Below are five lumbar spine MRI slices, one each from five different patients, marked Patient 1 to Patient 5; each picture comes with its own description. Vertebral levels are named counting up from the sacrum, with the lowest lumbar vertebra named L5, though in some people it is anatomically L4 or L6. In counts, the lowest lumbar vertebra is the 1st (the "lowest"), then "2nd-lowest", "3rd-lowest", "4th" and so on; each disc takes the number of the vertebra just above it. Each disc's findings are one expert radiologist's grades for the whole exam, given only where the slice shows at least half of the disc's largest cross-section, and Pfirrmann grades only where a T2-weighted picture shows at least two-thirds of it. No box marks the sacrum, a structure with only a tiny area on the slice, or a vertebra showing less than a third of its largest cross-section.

Patient 1 of 5:
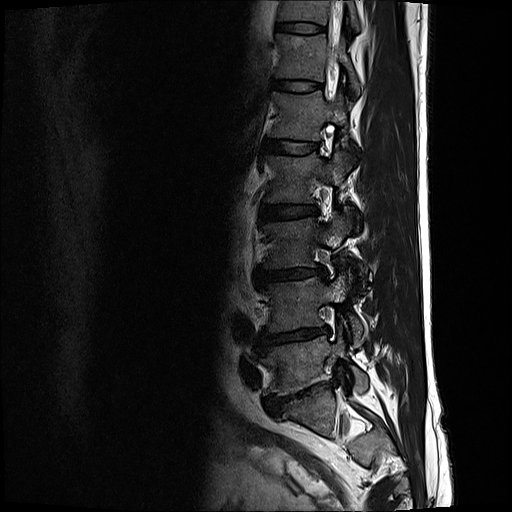 Slice 4 of 17; Field of view 300x300 mm; T2-weighted sagittal MRI of the lumbar spine; Patient sex: M; Image 512x512

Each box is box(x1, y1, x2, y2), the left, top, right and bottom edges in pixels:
Structures:
- L1 vertebra: box(271, 90, 346, 140)
- L4: box(260, 275, 364, 347)
- L3: box(266, 216, 349, 267)
- T11 vertebra: box(276, 0, 361, 32)
- disc T12/L1: box(272, 79, 321, 91)
- L5/S1: box(266, 383, 322, 414)
- disc L3/L4: box(258, 267, 326, 280)
- disc L4/L5: box(261, 326, 328, 346)
- L5: box(262, 334, 368, 395)
- T12 vertebra: box(275, 33, 360, 92)
- spinal canal: box(337, 1, 343, 12)
- L1/L2: box(266, 139, 318, 154)
- disc L2/L3: box(260, 204, 316, 221)
- L2 vertebra: box(264, 144, 349, 203)
- disc T11/T12: box(274, 21, 325, 33)

Degenerative findings by level:
  T12/L1: Pfirrmann grade 2
  L1/L2: Pfirrmann grade 2
  L3/L4: Pfirrmann grade 3, disc narrowing, disc bulging
  L4/L5: Pfirrmann grade 5, Modic type II, disc bulging, lower-endplate change, disc narrowing
  L2/L3: Pfirrmann grade 2
  T11/T12: Pfirrmann grade 2

Patient 2 of 5:
Lumbar spine MR, T2-weighted, sagittal, Patient sex: F, Scanner: SIEMENS Avanto_fit (1.5T), Sagittal slice index 6, Image 384x387

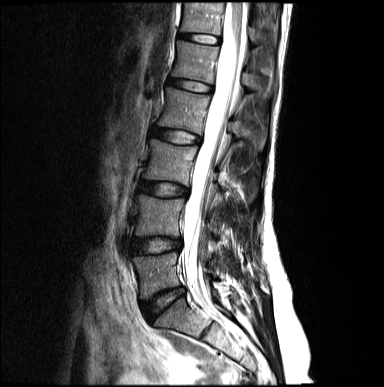
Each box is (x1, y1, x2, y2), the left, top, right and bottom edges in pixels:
Intervertebral disc L2/L3 at (152, 127, 200, 144), T12 vertebra at (180, 2, 259, 44), L3 at (142, 139, 221, 205), L4/L5 at (133, 238, 180, 253), L5 vertebra at (133, 252, 224, 298), T12/L1 at (178, 34, 218, 44), L5/S1 at (142, 288, 184, 320), L3/L4 at (139, 181, 188, 197), L1/L2 at (168, 78, 211, 92), L2 vertebra at (158, 87, 266, 148), L1 vertebra at (172, 41, 271, 97), L4 at (136, 195, 215, 248), thecal sac / spinal canal at (183, 1, 247, 291).

Per-level radiological findings:
- L1/L2: Pfirrmann grade 2
- T12/L1: Pfirrmann grade 2
- L5/S1: Pfirrmann grade 2, disc narrowing, disc bulging
- L4/L5: Pfirrmann grade 2, disc bulging
- L2/L3: Pfirrmann grade 2
- L3/L4: Pfirrmann grade 2, disc bulging

Patient 3 of 5:
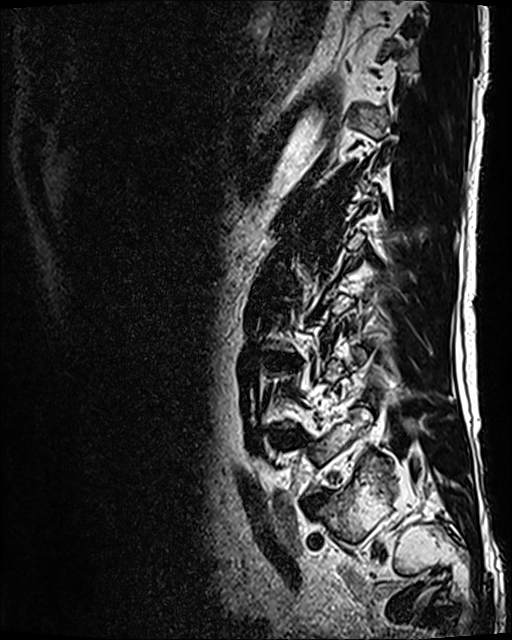
Sagittal slice index 30, Field of view 240x300 mm, T2 SPACE (3D) sagittal MRI of the lumbar spine

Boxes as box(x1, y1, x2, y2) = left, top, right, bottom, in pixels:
Segmented structures:
• 2nd-lowest disc: box(275, 431, 305, 446)
• 3rd-lowest disc: box(266, 353, 293, 364)
• lowest disc: box(305, 492, 328, 511)

Patient 4 of 5:
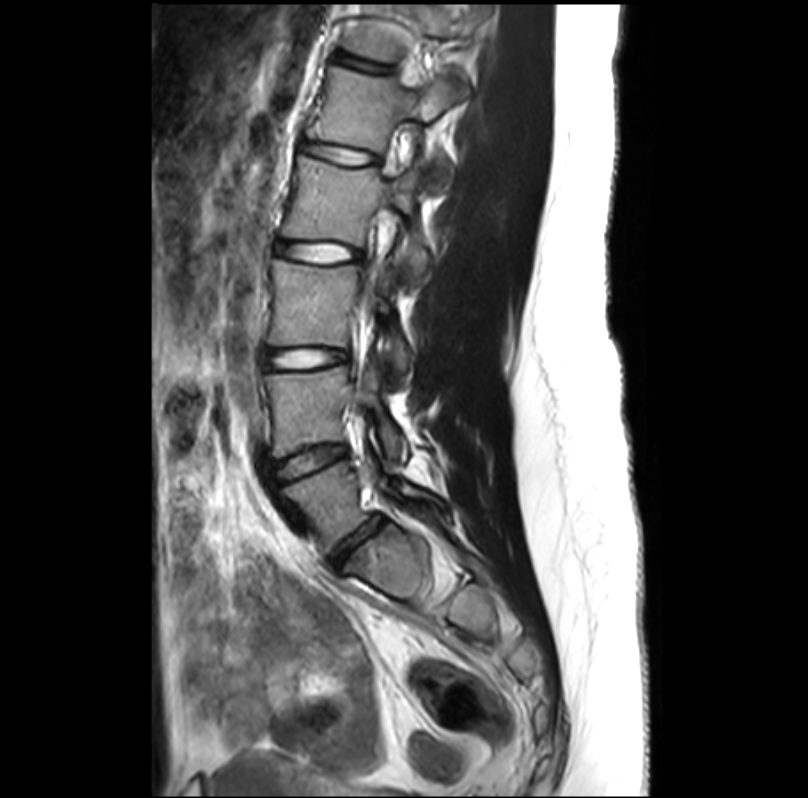 Patient sex: F | MRI lumbar spine (T2-weighted), sagittal plane | Sagittal slice index 20 | 808x798 px
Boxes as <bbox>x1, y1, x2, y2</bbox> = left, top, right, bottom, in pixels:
L3/L4 at <bbox>265, 349, 347, 367</bbox>, L4 at <bbox>265, 365, 407, 457</bbox>, T12/L1 at <bbox>337, 53, 393, 73</bbox>, L1 vertebra at <bbox>307, 66, 466, 191</bbox>, T12 vertebra at <bbox>344, 5, 485, 61</bbox>, disc L2/L3 at <bbox>276, 240, 360, 262</bbox>, L5/S1 at <bbox>333, 515, 380, 564</bbox>, spinal canal at <bbox>363, 216, 391, 309</bbox>, L2 vertebra at <bbox>282, 156, 431, 285</bbox>, L5 at <bbox>282, 457, 445, 552</bbox>, disc L1/L2 at <bbox>301, 143, 376, 164</bbox>, L4/L5 at <bbox>270, 445, 345, 480</bbox>, L3 at <bbox>269, 260, 412, 372</bbox>.

Radiological gradings:
- L1/L2: Pfirrmann grade 1
- L5/S1: disc narrowing
- L3/L4: Pfirrmann grade 1, disc bulging
- L4/L5: Pfirrmann grade 1
- L2/L3: Pfirrmann grade 1
- T12/L1: no Modic or endplate change, herniation, narrowing, bulging or spondylolisthesis recorded

Patient 5 of 5:
711x707 px; Slice 5/20; T2-weighted sagittal MRI of the lumbar spine; Patient sex: F

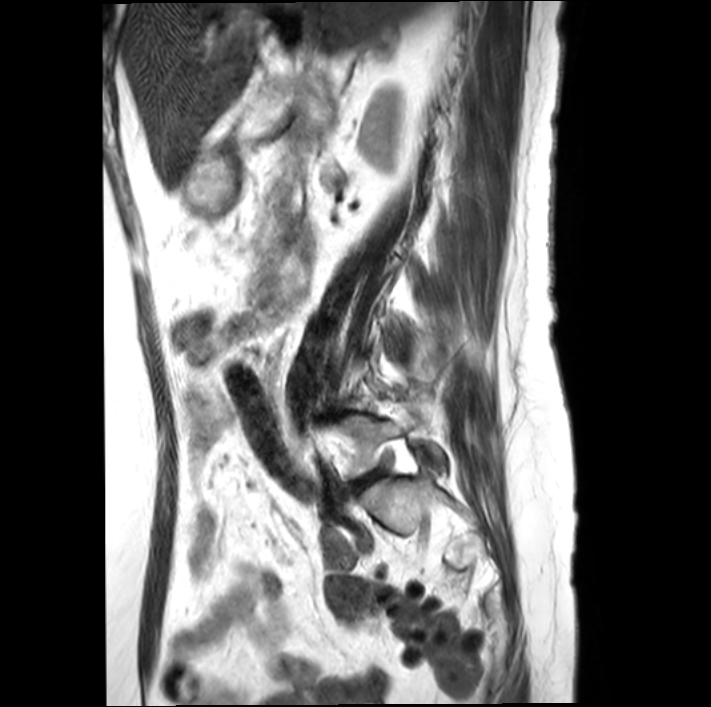

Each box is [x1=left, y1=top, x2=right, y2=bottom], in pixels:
Intervertebral disc L5/S1: [x1=361, y1=472, x2=377, y2=485].
L5: [x1=328, y1=402, x2=444, y2=476].